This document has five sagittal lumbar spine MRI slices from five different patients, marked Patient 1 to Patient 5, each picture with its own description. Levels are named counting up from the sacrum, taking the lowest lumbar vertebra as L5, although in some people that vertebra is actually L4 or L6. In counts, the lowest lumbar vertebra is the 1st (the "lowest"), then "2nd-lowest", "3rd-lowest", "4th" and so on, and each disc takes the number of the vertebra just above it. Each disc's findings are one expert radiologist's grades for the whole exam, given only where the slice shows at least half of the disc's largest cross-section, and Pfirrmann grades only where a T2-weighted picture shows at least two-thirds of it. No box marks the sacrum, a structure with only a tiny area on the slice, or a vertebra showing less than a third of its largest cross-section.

Patient 1 of 5:
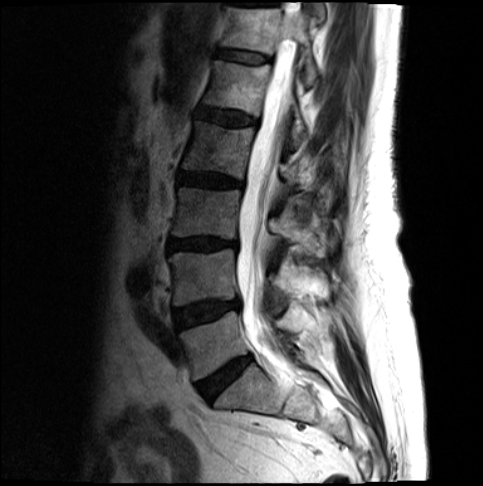

MRI lumbar spine (T2-weighted), sagittal plane

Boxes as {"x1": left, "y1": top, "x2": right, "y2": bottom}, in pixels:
T12 (6th vertebra) at {"x1": 221, "y1": 8, "x2": 316, "y2": 86}, L5/S1 (lowest disc) at {"x1": 199, "y1": 357, "x2": 249, "y2": 400}, thecal sac / spinal canal at {"x1": 235, "y1": 42, "x2": 292, "y2": 340}, L2 (4th vertebra) at {"x1": 181, "y1": 121, "x2": 308, "y2": 191}, intervertebral disc L3/L4 (3rd-lowest disc) at {"x1": 167, "y1": 238, "x2": 235, "y2": 250}, L1 (5th vertebra) at {"x1": 204, "y1": 60, "x2": 306, "y2": 147}, L4 (2nd-lowest vertebra) at {"x1": 167, "y1": 249, "x2": 288, "y2": 310}, L1/L2 (5th disc) at {"x1": 197, "y1": 107, "x2": 255, "y2": 126}, intervertebral disc T12/L1 (6th disc) at {"x1": 217, "y1": 50, "x2": 265, "y2": 63}, intervertebral disc L4/L5 (2nd-lowest disc) at {"x1": 173, "y1": 298, "x2": 239, "y2": 328}, L3 (3rd-lowest vertebra) at {"x1": 170, "y1": 187, "x2": 308, "y2": 243}, L5 (lowest vertebra) at {"x1": 180, "y1": 303, "x2": 314, "y2": 380}, intervertebral disc L2/L3 (4th disc) at {"x1": 177, "y1": 173, "x2": 243, "y2": 187}.

Per-level radiological findings:
- L4/L5 (2nd-lowest disc): Pfirrmann grade 3, disc bulging
- L3/L4 (3rd-lowest disc): Pfirrmann grade 4, disc narrowing, disc bulging
- L2/L3 (4th disc): Pfirrmann grade 4, disc bulging
- T12/L1 (6th disc): Pfirrmann grade 3
- L5/S1 (lowest disc): Pfirrmann grade 4, disc bulging
- L1/L2 (5th disc): Pfirrmann grade 3, disc bulging

Patient 2 of 5:
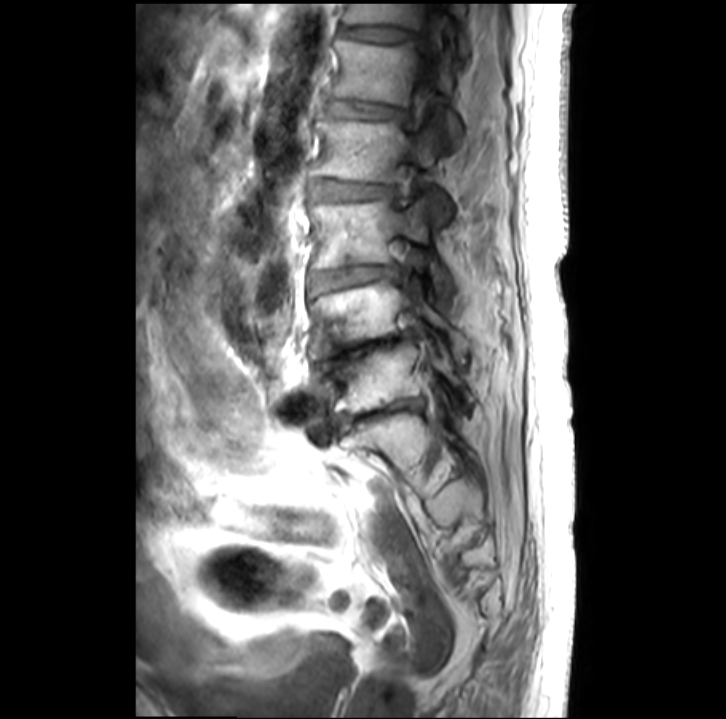
Slice spacing 3.4 mm. Image 726x719. Slice 21 of 32. Lumbar spine MR, T1-weighted, sagittal.

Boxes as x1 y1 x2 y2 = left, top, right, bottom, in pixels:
{"L5": "321 341 473 413", "T12 vertebra": "342 3 468 54", "L3/L4": "310 266 398 292", "L3 vertebra": "309 195 452 297", "thecal sac / spinal canal": "419 3 439 94", "L1": "332 37 461 143", "intervertebral disc L1/L2": "329 101 404 115", "intervertebral disc L5/S1": "336 400 419 429", "L2 vertebra": "310 115 450 221", "L4": "309 277 468 362", "intervertebral disc T12/L1": "341 26 412 40", "L4/L5": "316 332 413 369", "L2/L3": "312 179 390 198"}

Per-level radiological findings:
- L5/S1: Modic type II, disc narrowing
- L1/L2: disc narrowing, disc bulging
- L3/L4: Modic type II, disc narrowing
- T12/L1: disc bulging
- L4/L5: disc narrowing
- L2/L3: no Modic or endplate change, herniation, narrowing, bulging or spondylolisthesis recorded

Patient 3 of 5:
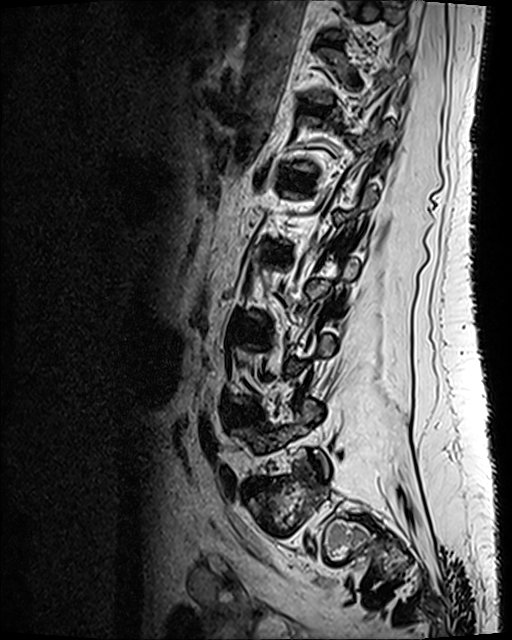

Sagittal T2 SPACE (3D) lumbar spine MRI; Image 512x640

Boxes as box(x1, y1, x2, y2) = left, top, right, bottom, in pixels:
Segmented structures:
- IVD L1/L2 at box(283, 172, 313, 187)
- L4/L5 at box(225, 407, 262, 423)
- IVD L2/L3 at box(263, 246, 288, 256)
- L3/L4 at box(235, 325, 266, 337)
- T11/T12 at box(318, 41, 339, 45)
- IVD T12/L1 at box(303, 103, 326, 112)

Patient 4 of 5:
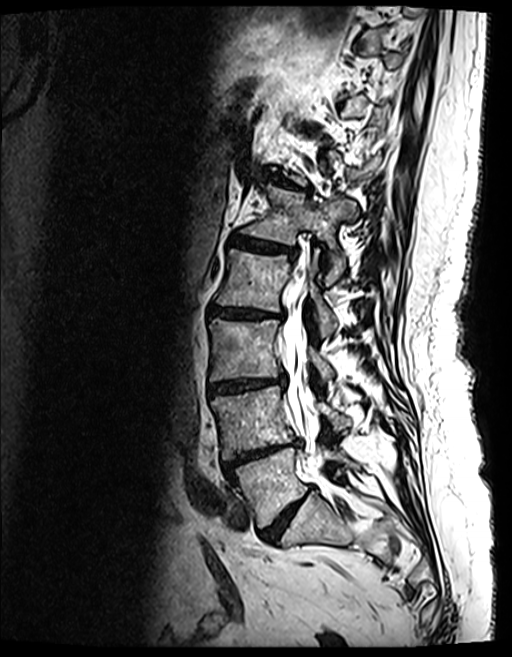
Patient sex: F. 512x657 px. MRI lumbar spine (T2 SPACE (3D)), sagittal plane. Field of view 240x308 mm. Sagittal slice index 86.
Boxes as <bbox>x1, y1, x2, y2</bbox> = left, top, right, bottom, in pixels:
Annotations:
• L1 vertebra at <bbox>240, 187, 356, 283</bbox>
• thecal sac / spinal canal at <bbox>282, 278, 326, 473</bbox>
• L2 at <bbox>217, 249, 336, 335</bbox>
• L4/L5 at <bbox>224, 441, 299, 474</bbox>
• disc T12/L1 at <bbox>279, 180, 308, 192</bbox>
• L1/L2 at <bbox>230, 237, 295, 259</bbox>
• disc L5/S1 at <bbox>259, 497, 304, 540</bbox>
• disc L3/L4 at <bbox>209, 377, 284, 393</bbox>
• L4 at <bbox>211, 385, 349, 458</bbox>
• L2/L3 at <bbox>209, 306, 284, 319</bbox>
• L5 vertebra at <bbox>233, 448, 354, 528</bbox>
• L3 vertebra at <bbox>209, 320, 332, 384</bbox>

Radiological gradings:
• L4/L5: Pfirrmann grade 5, upper-endplate change, lower-endplate change, disc narrowing, disc bulging, Modic type II
• L2/L3: Pfirrmann grade 4, disc narrowing, Modic type II, lower-endplate change, upper-endplate change, disc bulging
• L3/L4: Pfirrmann grade 4, upper-endplate change, Modic type II, disc bulging, disc narrowing, lower-endplate change
• L1/L2: Pfirrmann grade 4, upper-endplate change, disc narrowing, disc bulging, Modic type II, lower-endplate change
• L5/S1: disc bulging, disc narrowing

Patient 5 of 5:
Sagittal slice index 11. Sagittal T2-weighted lumbar spine MRI. Sex M.
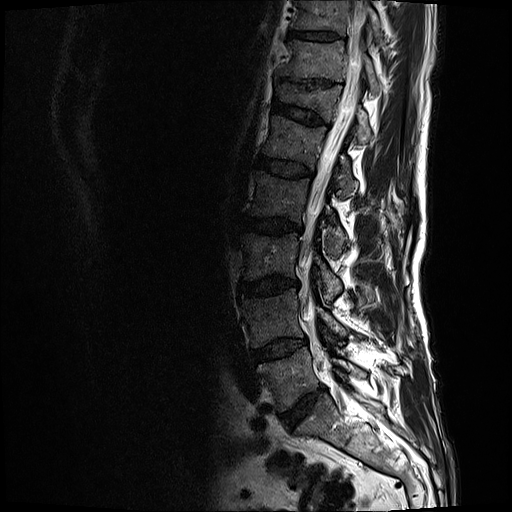 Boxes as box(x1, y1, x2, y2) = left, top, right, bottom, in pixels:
Annotations:
- T10/T11 = box(290, 30, 339, 39)
- L5 vertebra = box(258, 346, 366, 410)
- intervertebral disc T12/L1 = box(273, 99, 327, 124)
- intervertebral disc T11/T12 = box(302, 80, 332, 87)
- L2 = box(250, 169, 345, 256)
- intervertebral disc L2/L3 = box(240, 215, 301, 233)
- T12 vertebra = box(276, 83, 370, 144)
- L4 = box(241, 287, 346, 346)
- L1 = box(263, 114, 354, 197)
- intervertebral disc L5/S1 = box(281, 387, 323, 427)
- T11 vertebra = box(281, 40, 380, 92)
- L4/L5 = box(252, 339, 305, 362)
- T10 vertebra = box(294, 0, 384, 42)
- spinal canal = box(298, 0, 368, 391)
- L3 = box(242, 232, 341, 302)
- L3/L4 = box(240, 278, 298, 294)
- intervertebral disc L1/L2 = box(257, 154, 313, 177)

Expert MSK radiologist gradings (per disc):
- T12/L1: Pfirrmann grade 3, upper-endplate change, lower-endplate change
- L1/L2: Pfirrmann grade 3
- T11/T12: lower-endplate change, upper-endplate change, disc narrowing
- T10/T11: Pfirrmann grade 3
- L5/S1: Pfirrmann grade 4, disc narrowing, disc bulging
- L3/L4: Pfirrmann grade 4, disc bulging, Modic type II, disc narrowing
- L4/L5: Pfirrmann grade 3, Modic type II, disc bulging
- L2/L3: Pfirrmann grade 3, Modic type II, disc bulging